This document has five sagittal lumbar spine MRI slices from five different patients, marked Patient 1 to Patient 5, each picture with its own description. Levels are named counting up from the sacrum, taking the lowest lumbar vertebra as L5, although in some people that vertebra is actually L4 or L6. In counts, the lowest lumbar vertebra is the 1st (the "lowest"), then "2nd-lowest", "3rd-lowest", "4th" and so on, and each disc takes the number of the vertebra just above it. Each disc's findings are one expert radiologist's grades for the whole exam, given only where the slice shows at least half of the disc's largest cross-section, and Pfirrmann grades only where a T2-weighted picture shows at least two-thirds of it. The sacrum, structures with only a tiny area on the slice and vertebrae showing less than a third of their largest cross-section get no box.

Patient 1 of 5:
MRI lumbar spine (T2-weighted), sagittal plane. Slice 12 of 30.
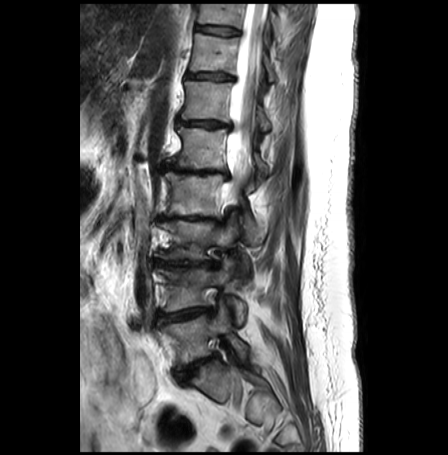 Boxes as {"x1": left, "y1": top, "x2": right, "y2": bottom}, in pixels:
T10 (8th vertebra): {"x1": 198, "y1": 4, "x2": 283, "y2": 40}.
L2/L3 (4th disc): {"x1": 159, "y1": 217, "x2": 221, "y2": 224}.
Intervertebral disc T12/L1 (6th disc): {"x1": 177, "y1": 119, "x2": 229, "y2": 127}.
L4 (2nd-lowest vertebra): {"x1": 155, "y1": 256, "x2": 246, "y2": 323}.
L1/L2 (5th disc): {"x1": 162, "y1": 164, "x2": 229, "y2": 179}.
L3 (3rd-lowest vertebra): {"x1": 155, "y1": 219, "x2": 248, "y2": 271}.
L5 (lowest vertebra): {"x1": 163, "y1": 303, "x2": 247, "y2": 369}.
T11 (7th vertebra): {"x1": 190, "y1": 33, "x2": 274, "y2": 81}.
T12 (6th vertebra): {"x1": 181, "y1": 81, "x2": 270, "y2": 130}.
Intervertebral disc T10/T11 (8th disc): {"x1": 196, "y1": 25, "x2": 238, "y2": 35}.
L1 (5th vertebra): {"x1": 169, "y1": 127, "x2": 269, "y2": 185}.
L5/S1 (lowest disc): {"x1": 178, "y1": 354, "x2": 217, "y2": 376}.
L2 (4th vertebra): {"x1": 165, "y1": 172, "x2": 254, "y2": 229}.
Intervertebral disc L3/L4 (3rd-lowest disc): {"x1": 153, "y1": 259, "x2": 217, "y2": 267}.
T11/T12 (7th disc): {"x1": 187, "y1": 71, "x2": 232, "y2": 80}.
Thecal sac / spinal canal: {"x1": 221, "y1": 4, "x2": 267, "y2": 205}.
Intervertebral disc L4/L5 (2nd-lowest disc): {"x1": 159, "y1": 308, "x2": 211, "y2": 322}.

Expert MSK radiologist gradings (per disc):
  T10/T11 (8th disc): Pfirrmann grade 1
  L4/L5 (2nd-lowest disc): Pfirrmann grade 3, disc narrowing, Modic type II, disc herniation, upper-endplate change, disc bulging, lower-endplate change
  T12/L1 (6th disc): Pfirrmann grade 4, upper-endplate change, disc narrowing, lower-endplate change, Modic type II, disc bulging
  T11/T12 (7th disc): Pfirrmann grade 2, disc bulging
  L3/L4 (3rd-lowest disc): Pfirrmann grade 5, upper-endplate change, lower-endplate change, Modic type II, disc narrowing, disc bulging
  L1/L2 (5th disc): Pfirrmann grade 5, disc narrowing, upper-endplate change, Modic type II, disc bulging, lower-endplate change

Patient 2 of 5:
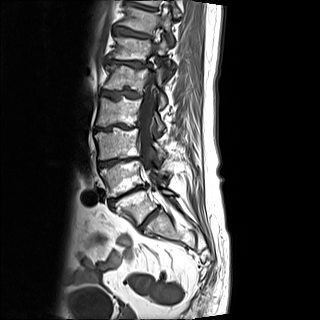 320x320 px; Slice 7/15; Field of view 300x300 mm; Sex F; Sagittal T1-weighted lumbar spine MRI

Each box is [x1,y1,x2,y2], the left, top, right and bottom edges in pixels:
6th vertebra at [109,35,172,61], 7th vertebra at [118,5,173,42], 8th disc at [125,1,156,11], 5th vertebra at [104,64,170,108], 6th disc at [108,59,148,68], lowest vertebra at [115,190,174,224], 3rd-lowest vertebra at [95,128,167,161], 3rd-lowest disc at [98,157,141,167], 8th vertebra at [134,0,179,15], 2nd-lowest vertebra at [100,160,167,196], 2nd-lowest disc at [109,185,147,208], 4th disc at [95,124,139,131], 7th disc at [114,26,151,38], 5th disc at [102,90,142,100], lowest disc at [140,207,160,229], thecal sac / spinal canal at [140,78,153,171], 4th vertebra at [96,96,165,131].

Per-level radiological findings:
  4th disc: lower-endplate change, disc narrowing, disc bulging, Modic type II, upper-endplate change
  2nd-lowest disc: disc narrowing, upper-endplate change, disc bulging, lower-endplate change, Modic type II
  7th disc: lower-endplate change, Modic type II, upper-endplate change, disc bulging
  5th disc: upper-endplate change, Modic type II, disc bulging, disc narrowing, lower-endplate change
  lowest disc: lower-endplate change, upper-endplate change, Modic type II, disc narrowing, disc bulging
  8th disc: disc bulging
  3rd-lowest disc: upper-endplate change, disc bulging, disc narrowing, Modic type II, lower-endplate change
  6th disc: lower-endplate change, disc bulging, upper-endplate change, Modic type II, disc narrowing

Patient 3 of 5:
Image 796x800, Lumbar spine MR, T1-weighted, sagittal, Field of view 283x285 mm, Slice 19 of 33
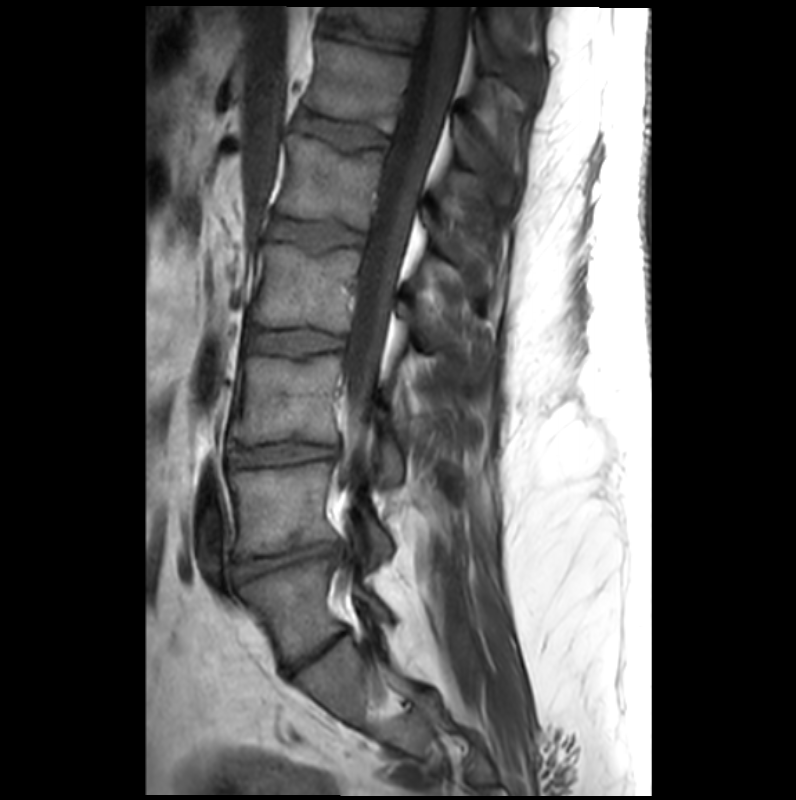
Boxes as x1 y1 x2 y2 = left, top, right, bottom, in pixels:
{"L5 vertebra": "239 559 395 662", "T11/T12": "322 20 410 51", "T12 vertebra": "304 40 514 202", "spinal canal": "340 7 467 479", "L3": "231 354 402 482", "L4/L5": "234 542 338 579", "L5/S1": "284 629 352 673", "L4 vertebra": "230 461 391 561", "intervertebral disc L2/L3": "248 328 344 357", "L2": "250 242 435 348", "T11": "328 6 541 99", "T12/L1": "296 112 386 150", "L1/L2": "270 219 363 253", "L3/L4": "230 443 335 466", "L1 vertebra": "278 134 470 273"}

Radiological gradings:
• L4/L5: disc narrowing, lower-endplate change, spondylolisthesis, disc herniation, Modic type III, upper-endplate change
• T12/L1: lower-endplate change, upper-endplate change
• T11/T12: lower-endplate change
• L1/L2: lower-endplate change, upper-endplate change
• L5/S1: disc narrowing
• L3/L4, L2/L3: no Modic or endplate change, herniation, narrowing, bulging or spondylolisthesis recorded

Patient 4 of 5:
T2-weighted sagittal MRI of the lumbar spine, Image 512x512, Patient sex: M

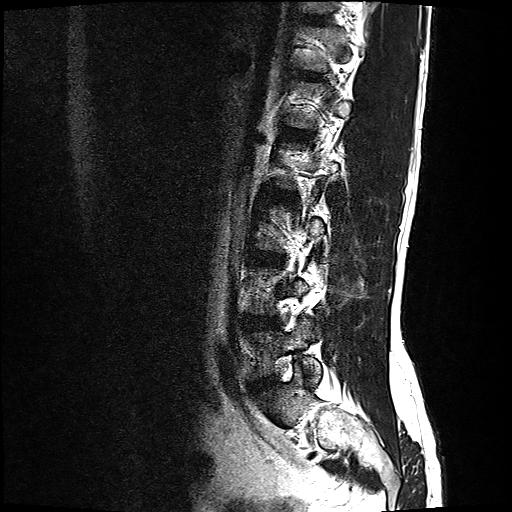 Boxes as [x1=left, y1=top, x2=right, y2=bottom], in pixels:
lowest disc: [x1=252, y1=377, x2=273, y2=390]
5th disc: [x1=285, y1=127, x2=306, y2=134]
2nd-lowest disc: [x1=246, y1=315, x2=277, y2=328]
6th disc: [x1=300, y1=70, x2=313, y2=75]
7th vertebra: [x1=301, y1=0, x2=333, y2=11]
lowest vertebra: [x1=250, y1=316, x2=322, y2=382]
3rd-lowest disc: [x1=256, y1=251, x2=280, y2=260]
7th disc: [x1=304, y1=14, x2=329, y2=23]

Patient 5 of 5:
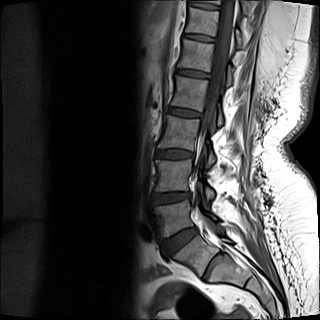
Slice 6 of 15 | Image 320x320 | T1-weighted sagittal MRI of the lumbar spine | Slice spacing 4.8 mm
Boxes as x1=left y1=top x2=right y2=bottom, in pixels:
L3 at x1=159 y1=115 x2=215 y2=166, IVD L2/L3 at x1=169 y1=108 x2=200 y2=117, IVD L3/L4 at x1=156 y1=150 x2=193 y2=158, T11/T12 at x1=190 y1=2 x2=220 y2=9, L5 at x1=155 y1=200 x2=220 y2=236, L4 vertebra at x1=156 y1=159 x2=214 y2=199, IVD L5/S1 at x1=165 y1=228 x2=198 y2=251, L2 vertebra at x1=172 y1=76 x2=223 y2=126, IVD L4/L5 at x1=153 y1=192 x2=189 y2=204, T12 at x1=186 y1=7 x2=241 y2=46, thecal sac / spinal canal at x1=196 y1=0 x2=235 y2=246, T12/L1 at x1=184 y1=34 x2=214 y2=41, IVD L1/L2 at x1=177 y1=69 x2=209 y2=78, L1 at x1=178 y1=39 x2=232 y2=85, T11 vertebra at x1=192 y1=0 x2=248 y2=14.

Expert MSK radiologist gradings (per disc):
• L3/L4: lower-endplate change
• L4/L5: Modic type II, disc bulging, disc narrowing
• T11/T12, T12/L1, L5/S1, L2/L3, L1/L2: no spondylolisthesis, narrowing, bulging, herniation, Modic or endplate change recorded